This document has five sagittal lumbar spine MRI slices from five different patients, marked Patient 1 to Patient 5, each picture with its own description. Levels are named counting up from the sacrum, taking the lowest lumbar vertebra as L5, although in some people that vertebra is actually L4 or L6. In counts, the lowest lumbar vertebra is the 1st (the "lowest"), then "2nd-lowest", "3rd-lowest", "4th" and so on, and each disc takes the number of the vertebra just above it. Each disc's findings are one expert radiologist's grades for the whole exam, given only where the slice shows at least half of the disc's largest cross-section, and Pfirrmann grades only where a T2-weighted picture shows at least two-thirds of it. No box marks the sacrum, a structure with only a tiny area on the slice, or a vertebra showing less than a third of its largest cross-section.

Patient 1 of 5:
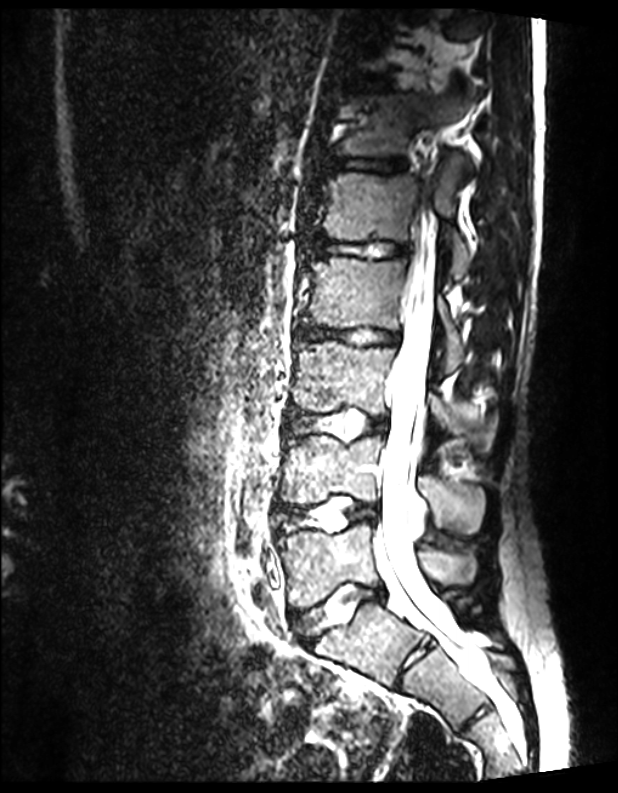
Patient sex: M; T2 SPACE (3D) sagittal MRI of the lumbar spine

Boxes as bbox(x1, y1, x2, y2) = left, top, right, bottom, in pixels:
L3 (3rd-lowest vertebra) at bbox(292, 342, 497, 451); T11/T12 (7th disc) at bbox(368, 79, 389, 89); L5 (lowest vertebra) at bbox(277, 522, 476, 608); L1 (5th vertebra) at bbox(321, 173, 472, 278); IVD L2/L3 (4th disc) at bbox(294, 327, 399, 345); L2 (4th vertebra) at bbox(303, 257, 463, 371); IVD T12/L1 (6th disc) at bbox(327, 157, 405, 172); L3/L4 (3rd-lowest disc) at bbox(286, 410, 387, 439); L4/L5 (2nd-lowest disc) at bbox(277, 498, 376, 531); L5/S1 (lowest disc) at bbox(293, 583, 383, 643); L1/L2 (5th disc) at bbox(310, 236, 407, 257); thecal sac / spinal canal at bbox(373, 206, 485, 687); L4 (2nd-lowest vertebra) at bbox(281, 435, 485, 533); T12 (6th vertebra) at bbox(338, 95, 470, 170).

Degenerative findings by level:
• L2/L3 (4th disc): Pfirrmann grade 1
• L1/L2 (5th disc): Pfirrmann grade 1
• L5/S1 (lowest disc): Pfirrmann grade 1
• T12/L1 (6th disc): Pfirrmann grade 1
• L3/L4 (3rd-lowest disc): Pfirrmann grade 1
• L4/L5 (2nd-lowest disc): Pfirrmann grade 1

Patient 2 of 5:
Philips Healthcare Ingenia (3T); Field of view 283x285 mm; Image 796x800; Sex M; MRI lumbar spine (T2-weighted), sagittal plane
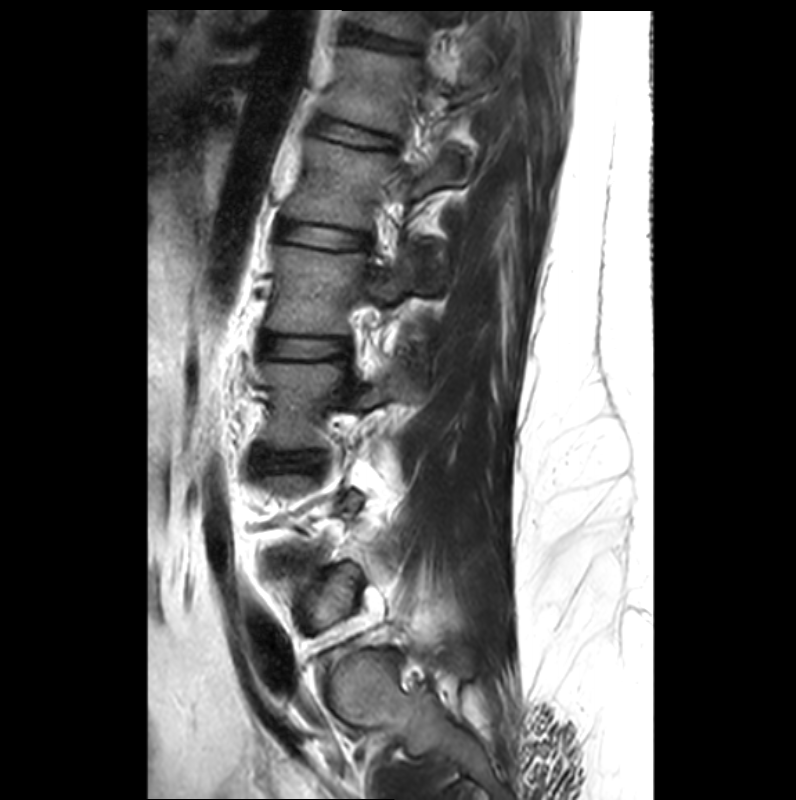

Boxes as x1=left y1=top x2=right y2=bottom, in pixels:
Annotations:
• L1/L2 (5th disc) — x1=278 y1=222 x2=370 y2=247
• T12 (6th vertebra) — x1=320 y1=45 x2=492 y2=132
• L2 (4th vertebra) — x1=266 y1=246 x2=417 y2=334
• intervertebral disc L3/L4 (3rd-lowest disc) — x1=260 y1=452 x2=320 y2=468
• intervertebral disc T12/L1 (6th disc) — x1=313 y1=119 x2=392 y2=145
• T11/T12 (7th disc) — x1=343 y1=25 x2=410 y2=48
• L3 (3rd-lowest vertebra) — x1=262 y1=359 x2=421 y2=449
• L1 (5th vertebra) — x1=285 y1=138 x2=470 y2=294
• intervertebral disc L2/L3 (4th disc) — x1=263 y1=337 x2=348 y2=358

Per-level radiological findings:
  T12/L1 (6th disc): lower-endplate change, upper-endplate change
  L2/L3 (4th disc): Pfirrmann grade 2
  T11/T12 (7th disc): lower-endplate change
  L1/L2 (5th disc): Pfirrmann grade 2, upper-endplate change, lower-endplate change

Patient 3 of 5:
Lumbar spine MR, T1-weighted, sagittal

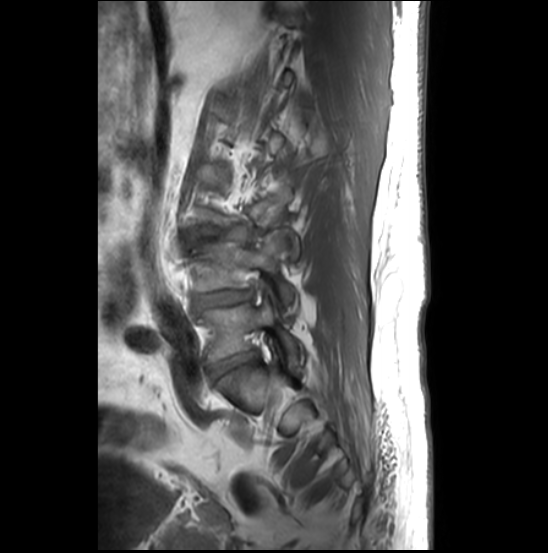
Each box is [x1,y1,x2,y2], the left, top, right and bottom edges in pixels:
IVD L3/L4: [182,227,246,246]
L5/S1: [211,351,257,378]
L5: [198,287,301,375]
IVD L4/L5: [196,290,251,307]
L4 vertebra: [192,236,300,316]

Expert MSK radiologist gradings (per disc):
- L3/L4: disc narrowing, disc herniation, spondylolisthesis, lower-endplate change, upper-endplate change, Modic type II
- L4/L5: lower-endplate change, Modic type II, disc bulging, upper-endplate change, disc narrowing

Patient 4 of 5:
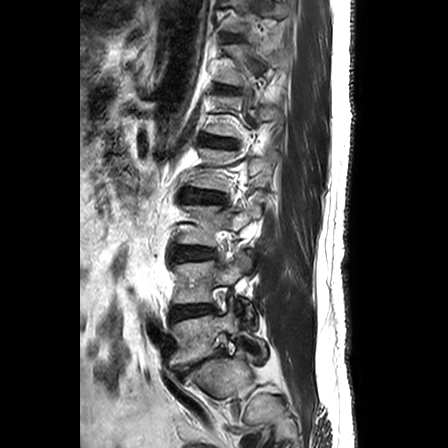

Patient sex: M. T2-weighted sagittal MRI of the lumbar spine.

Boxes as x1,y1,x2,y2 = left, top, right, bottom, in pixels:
{"L1/L2 (5th disc)": "203,138,234,147", "L3 (3rd-lowest vertebra)": "178,204,261,246", "L4/L5 (2nd-lowest disc)": "171,305,214,320", "L4 (2nd-lowest vertebra)": "174,253,252,319", "L3/L4 (3rd-lowest disc)": "176,247,212,259", "L2 (4th vertebra)": "190,148,278,190", "disc T12/L1 (6th disc)": "220,86,237,91", "T12 (6th vertebra)": "217,44,286,85", "L5 (lowest vertebra)": "169,306,266,368", "T11 (7th vertebra)": "229,0,291,32", "disc L2/L3 (4th disc)": "186,190,223,202", "L5/S1 (lowest disc)": "176,351,222,376"}

Radiological gradings:
- L3/L4 (3rd-lowest disc): disc bulging
- L2/L3 (4th disc): Pfirrmann grade 3, disc bulging
- L1/L2 (5th disc): lower-endplate change, upper-endplate change, Modic type II, disc bulging
- L4/L5 (2nd-lowest disc): disc bulging, disc narrowing

Patient 5 of 5:
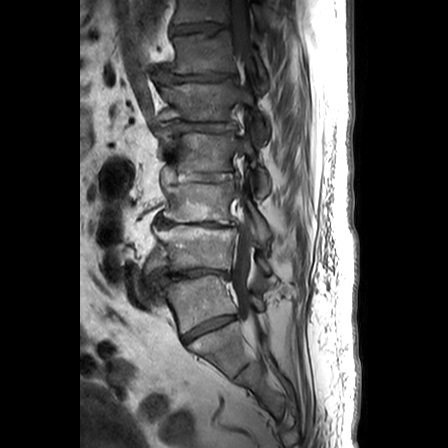 T1-weighted sagittal MRI of the lumbar spine | Image 448x448 | Slice 12/26

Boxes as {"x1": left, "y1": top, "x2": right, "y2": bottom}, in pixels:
5th disc: {"x1": 159, "y1": 121, "x2": 233, "y2": 132}.
7th disc: {"x1": 171, "y1": 23, "x2": 227, "y2": 34}.
4th vertebra: {"x1": 156, "y1": 129, "x2": 270, "y2": 197}.
3rd-lowest vertebra: {"x1": 163, "y1": 181, "x2": 270, "y2": 241}.
2nd-lowest disc: {"x1": 151, "y1": 268, "x2": 228, "y2": 287}.
5th vertebra: {"x1": 155, "y1": 78, "x2": 269, "y2": 139}.
2nd-lowest vertebra: {"x1": 144, "y1": 224, "x2": 270, "y2": 280}.
Lowest vertebra: {"x1": 158, "y1": 275, "x2": 264, "y2": 332}.
Lowest disc: {"x1": 183, "y1": 316, "x2": 233, "y2": 342}.
3rd-lowest disc: {"x1": 155, "y1": 217, "x2": 235, "y2": 226}.
Thecal sac / spinal canal: {"x1": 229, "y1": 0, "x2": 253, "y2": 321}.
6th vertebra: {"x1": 162, "y1": 31, "x2": 268, "y2": 89}.
6th disc: {"x1": 158, "y1": 70, "x2": 233, "y2": 82}.
4th disc: {"x1": 174, "y1": 173, "x2": 227, "y2": 181}.
7th vertebra: {"x1": 173, "y1": 0, "x2": 267, "y2": 27}.

Per-level radiological findings:
  3rd-lowest disc: Modic type II, disc herniation, disc narrowing, disc bulging
  2nd-lowest disc: disc herniation, disc bulging, disc narrowing, Modic type II
  6th disc: disc herniation, disc narrowing, disc bulging
  7th disc: upper-endplate change, disc bulging, disc narrowing
  5th disc: disc narrowing, disc bulging
  4th disc: disc bulging, disc narrowing
  lowest disc: disc narrowing